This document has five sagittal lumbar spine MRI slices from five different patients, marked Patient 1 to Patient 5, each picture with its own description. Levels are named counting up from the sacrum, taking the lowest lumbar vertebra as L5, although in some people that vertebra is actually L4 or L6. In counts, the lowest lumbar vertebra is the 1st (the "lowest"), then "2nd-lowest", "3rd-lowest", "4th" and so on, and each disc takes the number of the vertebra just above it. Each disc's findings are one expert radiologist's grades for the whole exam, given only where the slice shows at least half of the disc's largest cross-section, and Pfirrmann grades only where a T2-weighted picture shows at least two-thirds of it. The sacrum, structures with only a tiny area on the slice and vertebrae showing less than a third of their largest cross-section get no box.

Patient 1 of 5:
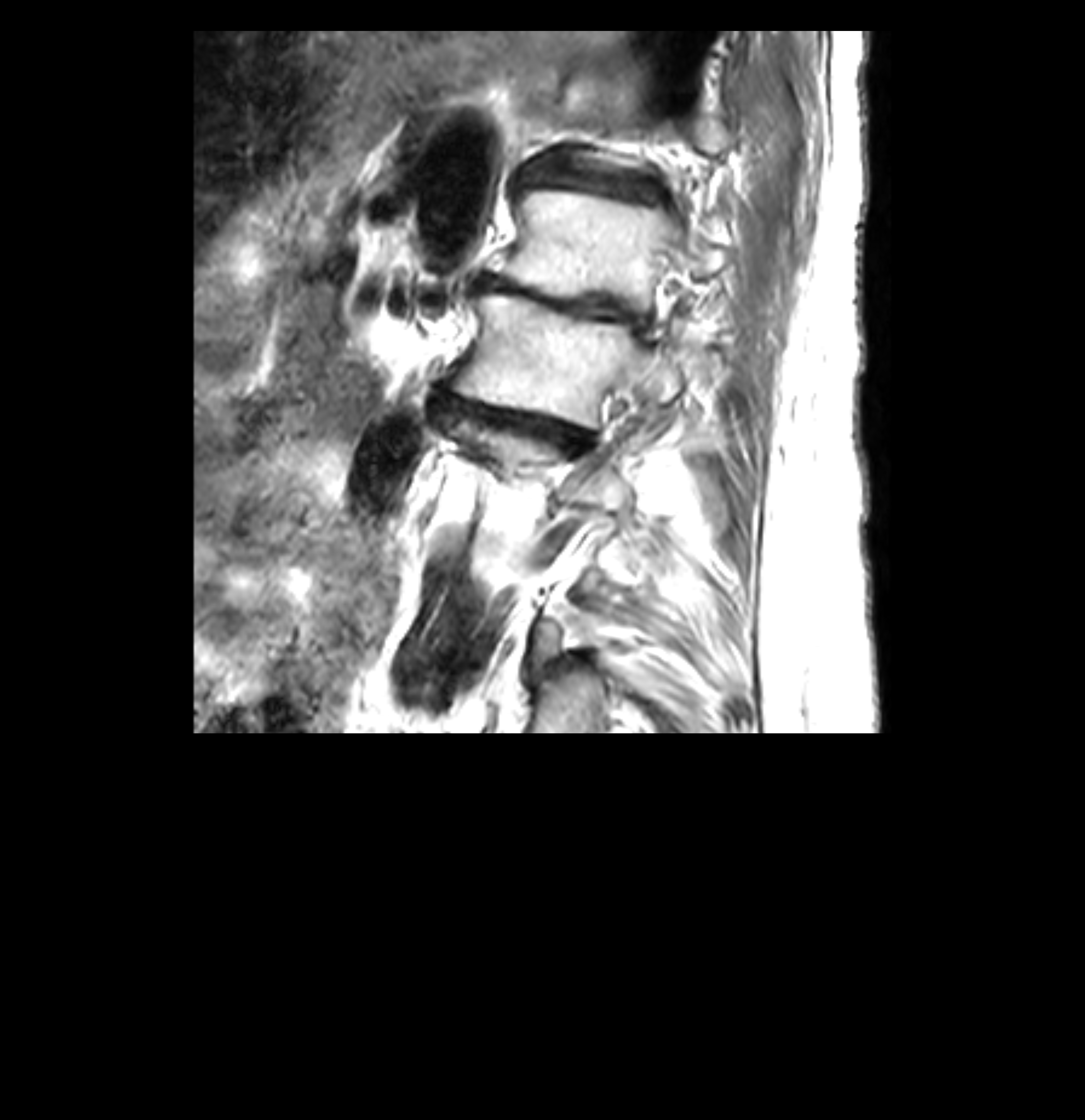 Sex F; Slice 30/41; Image 1085x1120; Field of view 280x289 mm; MRI lumbar spine (T2-weighted), sagittal plane
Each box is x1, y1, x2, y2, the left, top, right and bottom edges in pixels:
{"L1 (5th vertebra)": "497, 190, 726, 311", "intervertebral disc T12/L1 (6th disc)": "521, 164, 661, 202", "L1/L2 (5th disc)": "475, 272, 639, 324", "L2 (4th vertebra)": "450, 291, 683, 430", "intervertebral disc L2/L3 (4th disc)": "431, 392, 593, 454"}

Per-level radiological findings:
• T12/L1 (6th disc): Pfirrmann grade 5, disc narrowing, disc bulging, Modic type II, upper-endplate change, lower-endplate change
• L2/L3 (4th disc): Pfirrmann grade 5, disc narrowing, disc bulging, Modic type II, upper-endplate change, lower-endplate change
• L1/L2 (5th disc): lower-endplate change, Modic type II, upper-endplate change, disc bulging, disc narrowing

Patient 2 of 5:
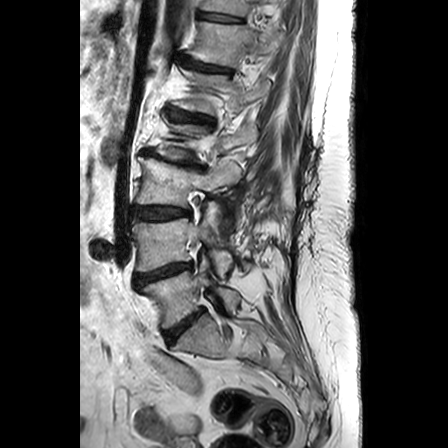 T2-weighted sagittal MRI of the lumbar spine
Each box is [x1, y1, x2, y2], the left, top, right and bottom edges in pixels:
Structures:
* L3 (3rd-lowest vertebra): [136, 157, 240, 227]
* L1 (5th vertebra): [174, 68, 270, 114]
* intervertebral disc L4/L5 (2nd-lowest disc): [135, 263, 191, 284]
* T12/L1 (6th disc): [181, 56, 232, 73]
* T12 (6th vertebra): [188, 22, 285, 66]
* intervertebral disc L5/S1 (lowest disc): [165, 309, 203, 344]
* T11/T12 (7th disc): [198, 12, 239, 21]
* L3/L4 (3rd-lowest disc): [132, 207, 189, 219]
* L5 (lowest vertebra): [141, 254, 239, 328]
* L4 (2nd-lowest vertebra): [132, 212, 232, 279]
* intervertebral disc L2/L3 (4th disc): [143, 150, 204, 169]
* T11 (7th vertebra): [202, 0, 273, 15]
* intervertebral disc L1/L2 (5th disc): [170, 110, 214, 128]

Expert MSK radiologist gradings (per disc):
- L1/L2 (5th disc): Pfirrmann grade 3, disc narrowing, Modic type II
- T12/L1 (6th disc): Pfirrmann grade 3, disc narrowing
- L4/L5 (2nd-lowest disc): Pfirrmann grade 4, disc bulging, disc narrowing
- L5/S1 (lowest disc): disc bulging
- T11/T12 (7th disc): Pfirrmann grade 1
- L3/L4 (3rd-lowest disc): Pfirrmann grade 3, disc bulging

Patient 3 of 5:
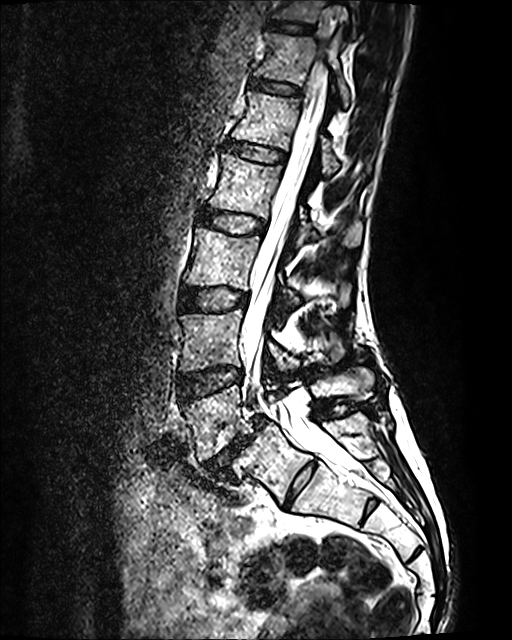
T2 SPACE (3D) sagittal MRI of the lumbar spine | 512x640 px
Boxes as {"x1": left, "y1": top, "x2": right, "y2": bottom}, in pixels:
T12 (6th vertebra) — {"x1": 254, "y1": 32, "x2": 353, "y2": 106} | T12/L1 (6th disc) — {"x1": 250, "y1": 79, "x2": 298, "y2": 94} | L4 (2nd-lowest vertebra) — {"x1": 180, "y1": 308, "x2": 339, "y2": 371} | L2/L3 (4th disc) — {"x1": 200, "y1": 209, "x2": 265, "y2": 232} | L1 (5th vertebra) — {"x1": 231, "y1": 91, "x2": 371, "y2": 173} | intervertebral disc L3/L4 (3rd-lowest disc) — {"x1": 179, "y1": 288, "x2": 247, "y2": 310} | intervertebral disc L4/L5 (2nd-lowest disc) — {"x1": 178, "y1": 367, "x2": 242, "y2": 401} | L1/L2 (5th disc) — {"x1": 227, "y1": 141, "x2": 284, "y2": 161} | T11 (7th vertebra) — {"x1": 272, "y1": 0, "x2": 356, "y2": 36} | thecal sac / spinal canal — {"x1": 241, "y1": 1, "x2": 351, "y2": 469} | L2 (4th vertebra) — {"x1": 209, "y1": 154, "x2": 362, "y2": 245} | L5 (lowest vertebra) — {"x1": 183, "y1": 371, "x2": 373, "y2": 461} | intervertebral disc T11/T12 (7th disc) — {"x1": 266, "y1": 21, "x2": 314, "y2": 32} | L5/S1 (lowest disc) — {"x1": 203, "y1": 416, "x2": 268, "y2": 475} | L3 (3rd-lowest vertebra) — {"x1": 185, "y1": 228, "x2": 350, "y2": 307}

Radiological gradings:
  T12/L1 (6th disc): Pfirrmann grade 2
  T11/T12 (7th disc): Pfirrmann grade 2
  L4/L5 (2nd-lowest disc): Pfirrmann grade 2
  L1/L2 (5th disc): Pfirrmann grade 2
  L3/L4 (3rd-lowest disc): Pfirrmann grade 2
  L2/L3 (4th disc): Pfirrmann grade 2
  L5/S1 (lowest disc): Pfirrmann grade 5, disc bulging, Modic type II, spondylolisthesis, disc narrowing

Patient 4 of 5:
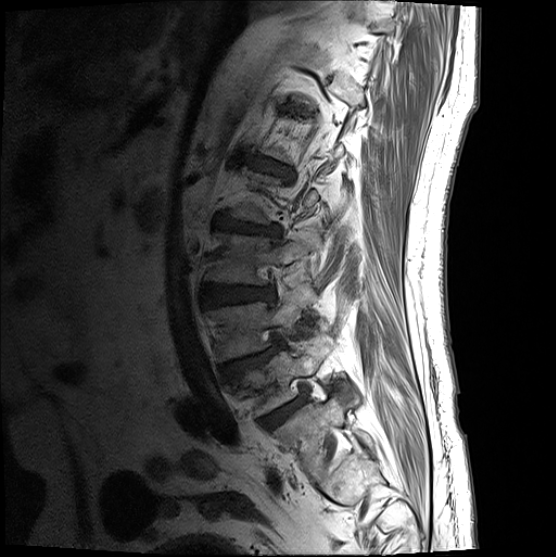 Slice 3/20 | T1-weighted sagittal MRI of the lumbar spine | Field of view 300x301 mm

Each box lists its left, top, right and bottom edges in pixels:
{"L5 vertebra": "left=237, top=343, right=330, bottom=417", "L4/L5": "left=224, top=345, right=281, bottom=379", "L2/L3": "left=216, top=217, right=280, bottom=239", "L4": "left=208, top=303, right=304, bottom=363", "L1/L2": "left=250, top=159, right=292, bottom=179", "IVD L5/S1": "left=261, top=398, right=306, bottom=430", "L3/L4": "left=204, top=287, right=273, bottom=307", "L3": "left=208, top=234, right=311, bottom=287"}

Per-level radiological findings:
  L3/L4: disc bulging
  L2/L3: disc narrowing, upper-endplate change, disc bulging, lower-endplate change
  L1/L2: upper-endplate change, disc bulging, lower-endplate change

Patient 5 of 5:
512x653 px, T2 SPACE (3D) sagittal MRI of the lumbar spine

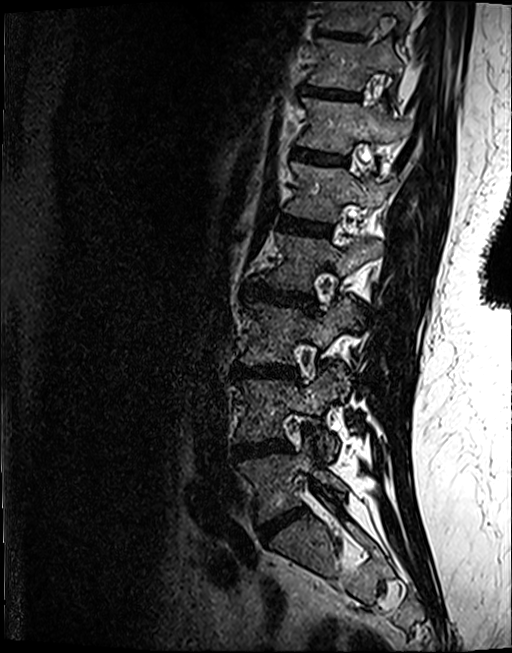
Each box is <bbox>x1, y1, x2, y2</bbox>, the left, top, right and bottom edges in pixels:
Structures:
* disc L5/S1: <bbox>260, 507, 305, 540</bbox>
* L3: <bbox>241, 297, 357, 364</bbox>
* L1 vertebra: <bbox>284, 162, 386, 221</bbox>
* T10: <bbox>319, 0, 411, 32</bbox>
* disc T12/L1: <bbox>293, 147, 346, 163</bbox>
* T12: <bbox>297, 97, 396, 152</bbox>
* L1/L2: <bbox>279, 215, 329, 234</bbox>
* L2 vertebra: <bbox>253, 232, 383, 290</bbox>
* L4: <bbox>235, 368, 345, 459</bbox>
* disc T11/T12: <bbox>304, 85, 359, 98</bbox>
* T11 vertebra: <bbox>309, 37, 403, 88</bbox>
* L4/L5: <bbox>234, 439, 287, 458</bbox>
* disc L3/L4: <bbox>234, 364, 296, 377</bbox>
* disc T10/T11: <bbox>316, 28, 363, 38</bbox>
* L2/L3: <bbox>243, 282, 315, 311</bbox>
* L5 vertebra: <bbox>238, 439, 347, 523</bbox>

Per-level radiological findings:
  L3/L4: Pfirrmann grade 4, upper-endplate change, Modic type II, lower-endplate change, disc bulging, disc narrowing
  L1/L2: Modic type II, upper-endplate change, lower-endplate change
  L4/L5: lower-endplate change, disc bulging, Modic type II
  L2/L3: Pfirrmann grade 4, upper-endplate change, lower-endplate change, disc bulging
  T11/T12: upper-endplate change
  L5/S1: disc narrowing, disc bulging
  T12/L1: upper-endplate change, lower-endplate change